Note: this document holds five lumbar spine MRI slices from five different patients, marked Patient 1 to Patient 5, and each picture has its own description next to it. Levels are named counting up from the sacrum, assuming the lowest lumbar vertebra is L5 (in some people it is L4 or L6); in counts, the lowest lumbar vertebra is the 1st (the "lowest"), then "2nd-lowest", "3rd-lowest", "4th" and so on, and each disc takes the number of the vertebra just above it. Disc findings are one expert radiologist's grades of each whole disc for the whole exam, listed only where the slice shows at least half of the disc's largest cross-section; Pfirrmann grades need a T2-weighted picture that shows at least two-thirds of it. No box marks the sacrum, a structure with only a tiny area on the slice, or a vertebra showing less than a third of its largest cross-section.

Patient 1 of 5:
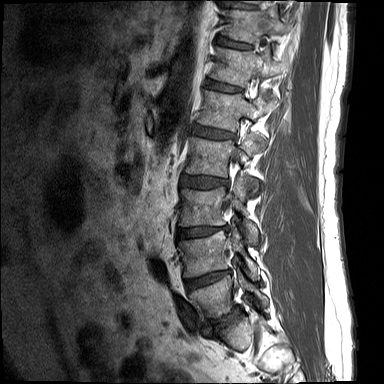 T1-weighted sagittal MRI of the lumbar spine | Sex M | Slice 11/15 | 384x384 px
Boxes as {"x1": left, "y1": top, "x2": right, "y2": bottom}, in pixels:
7th disc at {"x1": 216, "y1": 36, "x2": 251, "y2": 49}, 2nd-lowest disc at {"x1": 185, "y1": 270, "x2": 229, "y2": 291}, 3rd-lowest vertebra at {"x1": 179, "y1": 176, "x2": 258, "y2": 241}, 8th disc at {"x1": 223, "y1": 1, "x2": 257, "y2": 8}, 6th disc at {"x1": 206, "y1": 80, "x2": 241, "y2": 91}, 7th vertebra at {"x1": 222, "y1": 9, "x2": 291, "y2": 43}, 3rd-lowest disc at {"x1": 177, "y1": 226, "x2": 228, "y2": 238}, 6th vertebra at {"x1": 210, "y1": 47, "x2": 278, "y2": 86}, 5th disc at {"x1": 192, "y1": 125, "x2": 235, "y2": 138}, 4th disc at {"x1": 181, "y1": 175, "x2": 228, "y2": 187}, lowest vertebra at {"x1": 189, "y1": 274, "x2": 268, "y2": 317}, 2nd-lowest vertebra at {"x1": 179, "y1": 229, "x2": 258, "y2": 279}, lowest disc at {"x1": 206, "y1": 307, "x2": 239, "y2": 325}, 5th vertebra at {"x1": 197, "y1": 90, "x2": 268, "y2": 131}, 4th vertebra at {"x1": 186, "y1": 134, "x2": 256, "y2": 177}.

Expert MSK radiologist gradings (per disc):
- 3rd-lowest disc: disc narrowing, lower-endplate change, disc bulging, upper-endplate change
- 5th disc: disc bulging, upper-endplate change
- 2nd-lowest disc: disc bulging, Modic type II, upper-endplate change, lower-endplate change, disc narrowing
- 4th disc: disc bulging
- 7th disc, 6th disc, 8th disc: no herniation, bulging, narrowing, spondylolisthesis, endplate or Modic change recorded

Patient 2 of 5:
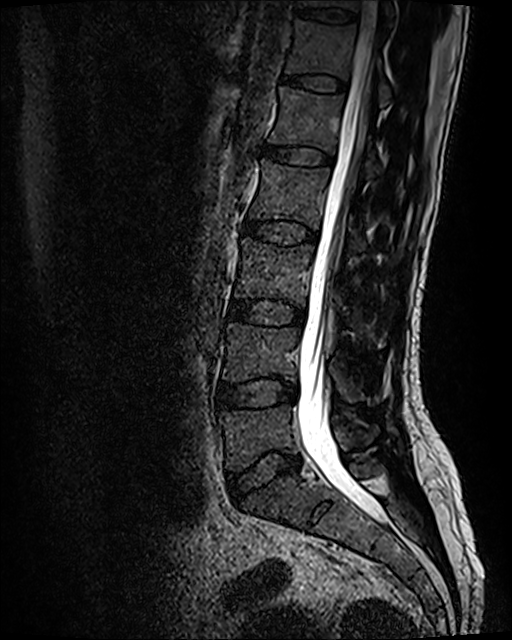 T2 SPACE (3D) sagittal MRI of the lumbar spine.
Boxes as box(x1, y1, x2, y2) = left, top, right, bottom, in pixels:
thecal sac / spinal canal: box(299, 1, 378, 520) | L4 vertebra: box(222, 323, 357, 398) | L3: box(235, 237, 361, 327) | disc L3/L4: box(229, 299, 305, 326) | T12: box(286, 19, 390, 105) | disc L5/S1: box(227, 452, 300, 501) | disc T11/T12: box(295, 7, 357, 23) | disc L1/L2: box(262, 145, 332, 165) | L2: box(250, 159, 402, 265) | L2/L3: box(242, 219, 317, 245) | disc L4/L5: box(219, 377, 297, 410) | disc T12/L1: box(283, 75, 346, 90) | T11 vertebra: box(297, 0, 395, 27) | L1: box(268, 87, 380, 178) | L5: box(220, 404, 376, 471)

Expert MSK radiologist gradings (per disc):
- L1/L2: Pfirrmann grade 2
- L3/L4: Pfirrmann grade 2, disc bulging
- L5/S1: Pfirrmann grade 2, disc bulging
- T12/L1: Pfirrmann grade 2
- L2/L3: Pfirrmann grade 2
- T11/T12: Pfirrmann grade 2
- L4/L5: Pfirrmann grade 2, disc bulging

Patient 3 of 5:
Sagittal slice index 19; Sagittal T1-weighted lumbar spine MRI; Patient sex: F 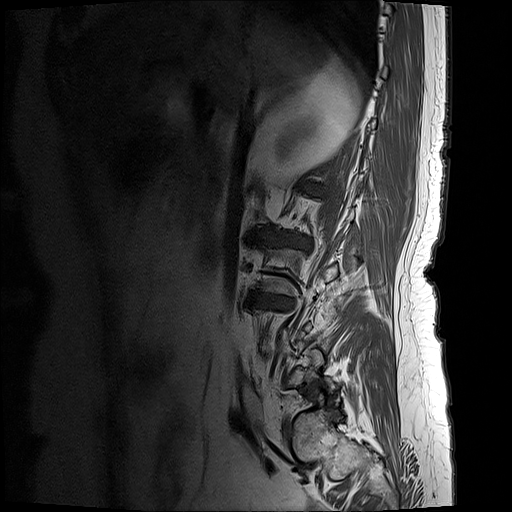
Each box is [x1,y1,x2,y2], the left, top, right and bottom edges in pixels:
L3/L4: [248,292,291,308] | L2/L3: [266,235,309,250]

Per-level radiological findings:
- L2/L3: Modic type II, disc bulging, lower-endplate change, disc narrowing, upper-endplate change
- L3/L4: lower-endplate change, disc bulging, upper-endplate change, disc narrowing, Modic type II

Patient 4 of 5:
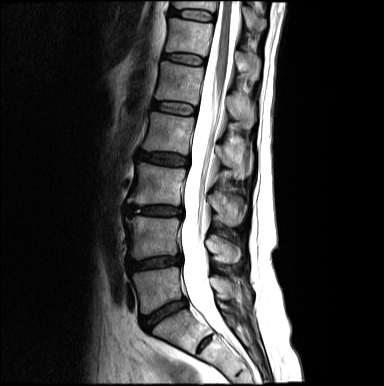 Sagittal slice index 8 | T2-weighted sagittal MRI of the lumbar spine

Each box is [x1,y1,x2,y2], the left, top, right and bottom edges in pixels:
• 2nd-lowest disc: [129,255,182,270]
• lowest disc: [141,299,186,330]
• 3rd-lowest vertebra: [128,163,246,226]
• 5th disc: [153,101,195,115]
• 6th vertebra: [166,18,260,80]
• 5th vertebra: [155,62,256,128]
• 3rd-lowest disc: [125,205,182,216]
• 2nd-lowest vertebra: [126,216,240,262]
• lowest vertebra: [132,267,241,313]
• 4th vertebra: [143,112,252,179]
• 7th vertebra: [173,1,266,30]
• thecal sac / spinal canal: [181,1,240,339]
• 4th disc: [137,151,188,166]
• 6th disc: [164,54,204,64]
• 7th disc: [170,9,214,21]

Per-level radiological findings:
• 6th disc: Pfirrmann grade 2
• lowest disc: Pfirrmann grade 4, disc narrowing, disc bulging
• 3rd-lowest disc: Pfirrmann grade 4, disc narrowing, disc bulging, lower-endplate change, upper-endplate change
• 4th disc: Pfirrmann grade 3, disc bulging
• 2nd-lowest disc: Pfirrmann grade 4, disc herniation, disc bulging, disc narrowing
• 5th disc: Pfirrmann grade 2
• 7th disc: Pfirrmann grade 2

Patient 5 of 5:
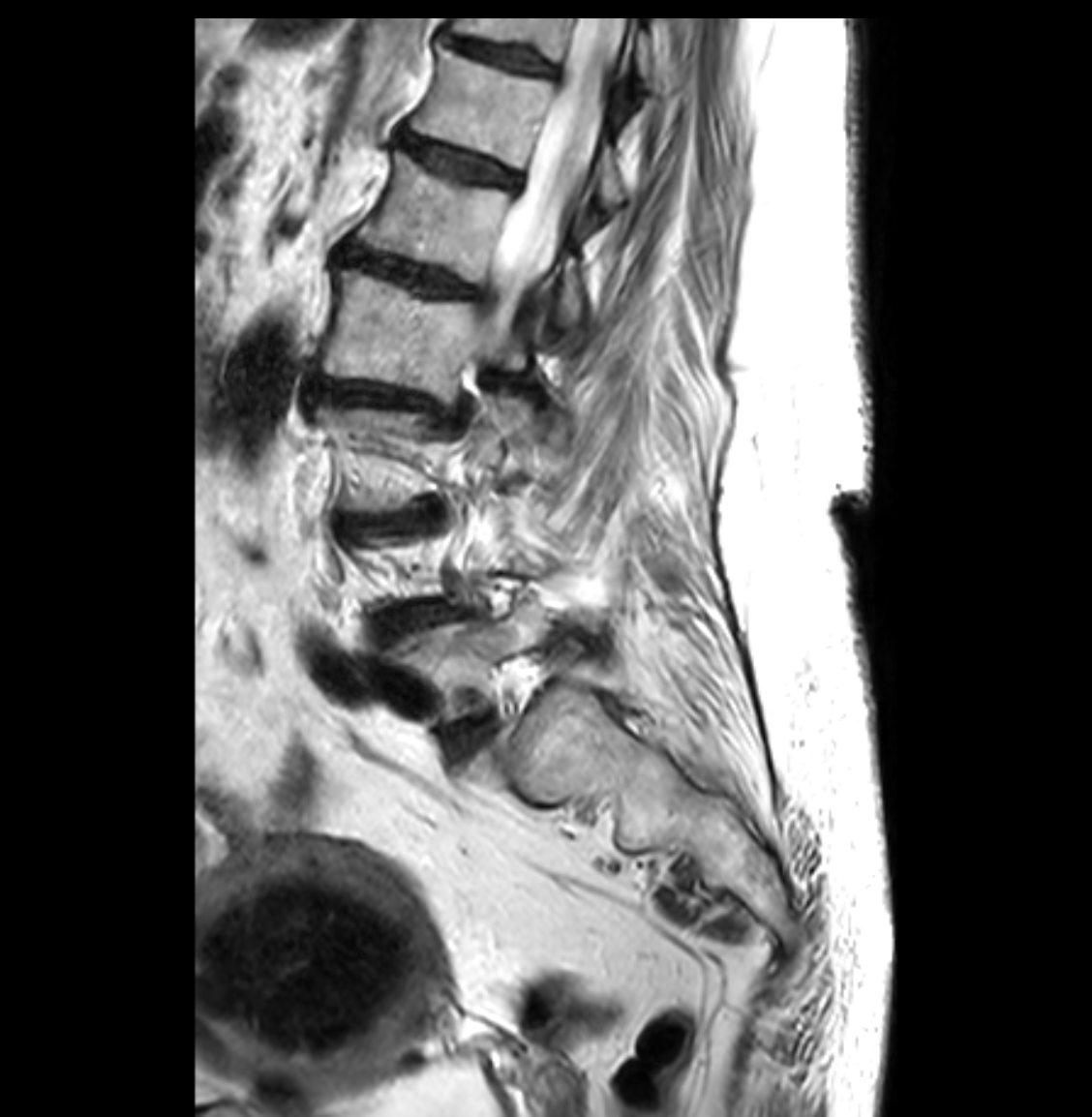

Sagittal T2-weighted lumbar spine MRI; Sagittal slice index 22
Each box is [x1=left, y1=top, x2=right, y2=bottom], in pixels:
L5/S1 (lowest disc) = [x1=453, y1=722, x2=489, y2=758].
L1/L2 (5th disc) = [x1=347, y1=249, x2=479, y2=297].
L2 (4th vertebra) = [x1=321, y1=270, x2=543, y2=400].
IVD L3/L4 (3rd-lowest disc) = [x1=337, y1=507, x2=433, y2=528].
L2/L3 (4th disc) = [x1=310, y1=376, x2=431, y2=406].
IVD T12/L1 (6th disc) = [x1=405, y1=136, x2=518, y2=185].
T12 (6th vertebra) = [x1=412, y1=49, x2=623, y2=210].
T11 (7th vertebra) = [x1=453, y1=19, x2=662, y2=86].
L3 (3rd-lowest vertebra) = [x1=315, y1=399, x2=531, y2=512].
IVD L4/L5 (2nd-lowest disc) = [x1=382, y1=605, x2=452, y2=636].
L5 (lowest vertebra) = [x1=385, y1=600, x2=553, y2=721].
Spinal canal = [x1=488, y1=19, x2=625, y2=334].
L1 (5th vertebra) = [x1=358, y1=153, x2=582, y2=327].
IVD T11/T12 (7th disc) = [x1=453, y1=40, x2=553, y2=75].

Radiological gradings:
  L1/L2 (5th disc): Pfirrmann grade 4, disc narrowing, lower-endplate change, upper-endplate change, disc bulging
  T12/L1 (6th disc): Pfirrmann grade 4, disc narrowing, disc bulging
  T11/T12 (7th disc): Pfirrmann grade 4, disc narrowing
  L2/L3 (4th disc): disc bulging, disc narrowing, upper-endplate change, lower-endplate change